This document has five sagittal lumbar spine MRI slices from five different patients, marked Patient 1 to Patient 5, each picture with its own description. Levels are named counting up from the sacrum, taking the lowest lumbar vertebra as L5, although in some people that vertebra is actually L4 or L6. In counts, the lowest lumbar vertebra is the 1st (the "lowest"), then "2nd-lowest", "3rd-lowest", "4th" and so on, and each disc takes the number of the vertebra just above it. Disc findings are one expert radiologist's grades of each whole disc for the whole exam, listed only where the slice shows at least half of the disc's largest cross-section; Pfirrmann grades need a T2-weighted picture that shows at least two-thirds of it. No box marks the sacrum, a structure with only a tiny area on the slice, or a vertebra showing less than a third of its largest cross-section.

Patient 1 of 5:
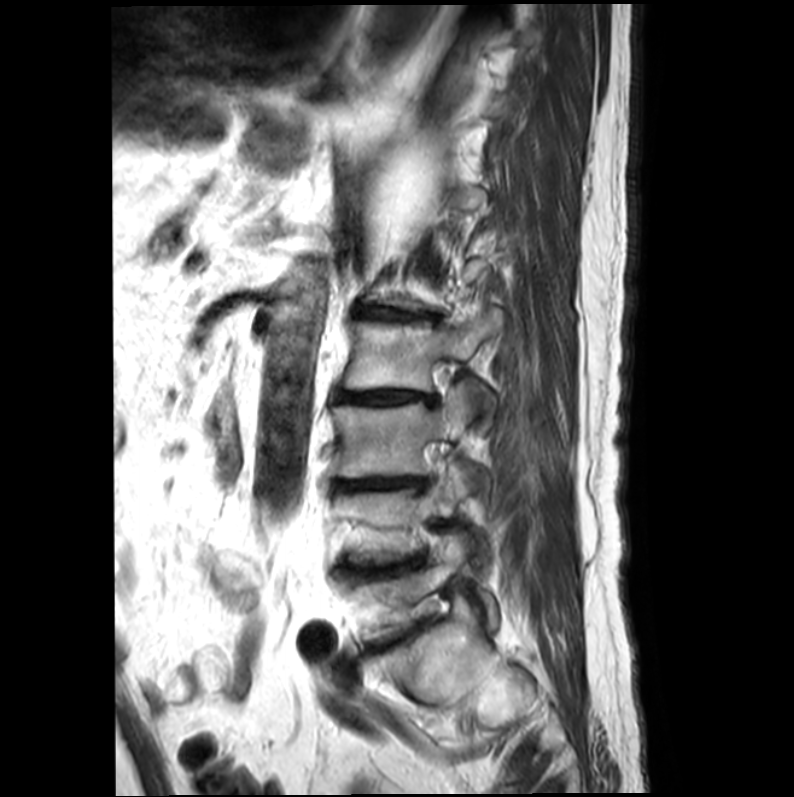 Field of view 308x309 mm, MRI lumbar spine (T2-weighted), sagittal plane
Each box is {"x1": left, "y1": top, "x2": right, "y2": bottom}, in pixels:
L4/L5: {"x1": 348, "y1": 557, "x2": 423, "y2": 577}
disc L3/L4: {"x1": 333, "y1": 478, "x2": 427, "y2": 490}
L2 vertebra: {"x1": 342, "y1": 308, "x2": 502, "y2": 411}
L4: {"x1": 337, "y1": 463, "x2": 471, "y2": 564}
disc L1/L2: {"x1": 355, "y1": 306, "x2": 435, "y2": 321}
L5 vertebra: {"x1": 351, "y1": 535, "x2": 497, "y2": 641}
L3: {"x1": 331, "y1": 382, "x2": 469, "y2": 477}
disc L2/L3: {"x1": 336, "y1": 391, "x2": 434, "y2": 405}

Per-level radiological findings:
• L1/L2: upper-endplate change, lower-endplate change, disc bulging, disc narrowing, Modic type II
• L3/L4: Pfirrmann grade 5, upper-endplate change, disc narrowing, disc bulging, lower-endplate change, Modic type II
• L2/L3: Pfirrmann grade 5, upper-endplate change, lower-endplate change, Modic type II, disc narrowing, disc bulging

Patient 2 of 5:
MRI lumbar spine (T2-weighted), sagittal plane, Field of view 300x300 mm, slice spacing 3.3 mm, Scanner: SIEMENS Avanto_fit (1.5T), Patient sex: F, Slice 15 of 17

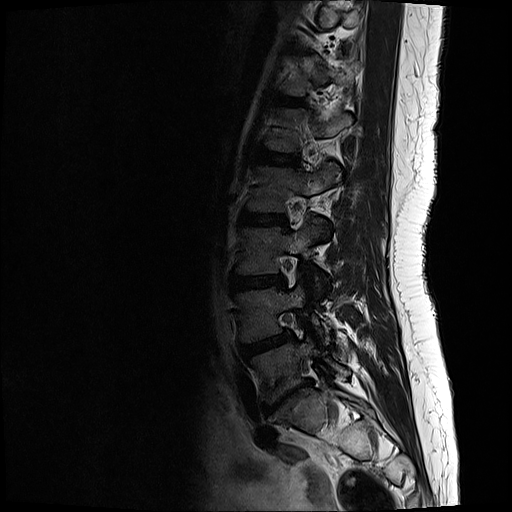
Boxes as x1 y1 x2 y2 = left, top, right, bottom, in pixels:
Segmented structures:
• L5/S1: 263 381 310 413
• L4/L5: 240 331 288 357
• intervertebral disc L3/L4: 233 274 282 289
• L3: 240 220 326 273
• L2/L3: 243 213 281 224
• L5 vertebra: 254 340 346 401
• L4 vertebra: 241 283 305 340
• L1/L2: 257 152 294 164

Radiological gradings:
  L3/L4: disc bulging
  L4/L5: disc bulging
  L1/L2, L2/L3: no spondylolisthesis, narrowing, bulging, herniation, Modic or endplate change recorded

Patient 3 of 5:
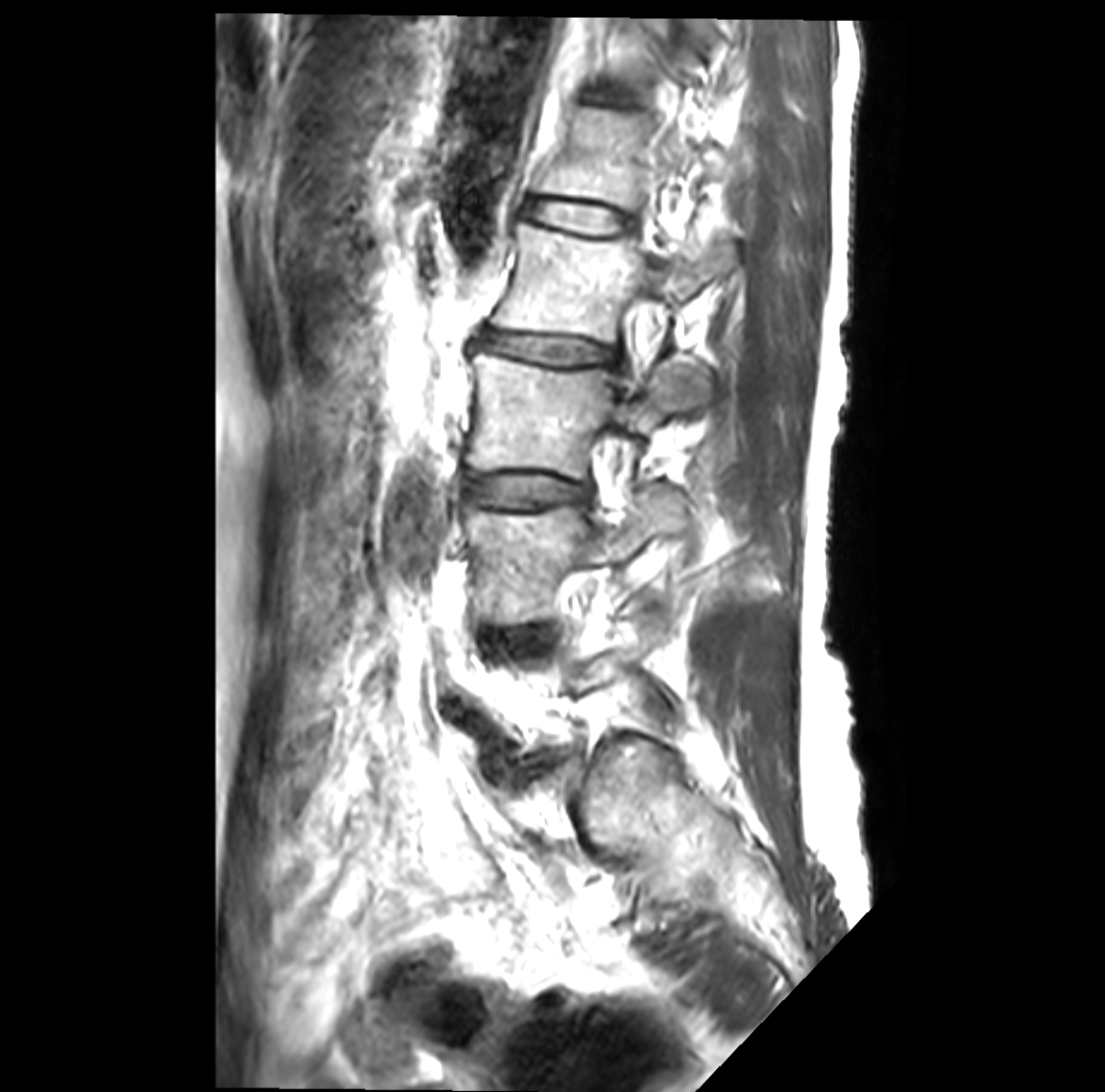 MRI lumbar spine (T2-weighted), sagittal plane
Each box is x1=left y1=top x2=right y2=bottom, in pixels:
3rd-lowest vertebra: x1=466 y1=353 x2=718 y2=478
2nd-lowest disc: x1=492 y1=629 x2=539 y2=645
4th disc: x1=482 y1=329 x2=611 y2=363
5th vertebra: x1=534 y1=107 x2=729 y2=212
2nd-lowest vertebra: x1=465 y1=485 x2=684 y2=625
6th disc: x1=587 y1=83 x2=627 y2=104
4th vertebra: x1=492 y1=222 x2=737 y2=343
5th disc: x1=524 y1=198 x2=631 y2=235
3rd-lowest disc: x1=465 y1=474 x2=590 y2=507

Expert MSK radiologist gradings (per disc):
- 4th disc: Pfirrmann grade 3, disc bulging, disc narrowing, Modic type II
- 5th disc: Pfirrmann grade 1
- 3rd-lowest disc: Pfirrmann grade 3, disc bulging, Modic type II

Patient 4 of 5:
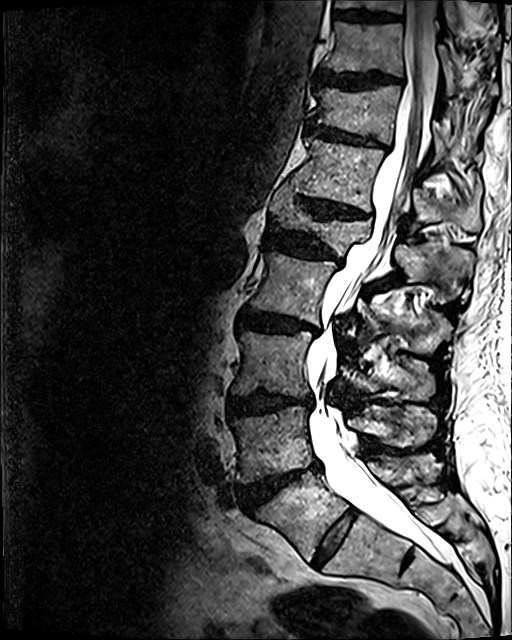

MRI lumbar spine (T2 SPACE (3D)), sagittal plane.
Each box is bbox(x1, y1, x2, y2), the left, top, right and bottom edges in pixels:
L4/L5 at bbox(241, 463, 321, 509); IVD T9/T10 at bbox(334, 10, 398, 21); L1 at bbox(269, 185, 472, 302); L3 at bbox(230, 331, 434, 398); T12/L1 at bbox(301, 198, 370, 218); L5/S1 at bbox(312, 510, 356, 566); T9 vertebra at bbox(335, 0, 500, 52); L2 at bbox(249, 251, 452, 352); L5 vertebra at bbox(257, 454, 439, 560); T12 vertebra at bbox(289, 137, 480, 233); L4 vertebra at bbox(232, 406, 436, 482); L3/L4 at bbox(227, 393, 311, 416); IVD L2/L3 at bbox(238, 311, 318, 334); IVD T10/T11 at bbox(317, 70, 400, 89); T10 vertebra at bbox(323, 22, 498, 99); IVD T11/T12 at bbox(306, 122, 386, 148); spinal canal at bbox(307, 0, 452, 563); T11 vertebra at bbox(309, 84, 466, 157); L1/L2 at bbox(265, 228, 341, 263).

Expert MSK radiologist gradings (per disc):
- L5/S1: Pfirrmann grade 2
- T9/T10: Pfirrmann grade 3, lower-endplate change
- L4/L5: Pfirrmann grade 5, Modic type II, disc narrowing, lower-endplate change, disc herniation, upper-endplate change, disc bulging
- L2/L3: Pfirrmann grade 4, Modic type II, lower-endplate change, disc narrowing, disc bulging, upper-endplate change
- T12/L1: Pfirrmann grade 4, lower-endplate change, upper-endplate change, disc bulging, disc narrowing
- T10/T11: Pfirrmann grade 4, upper-endplate change, disc bulging, lower-endplate change
- L1/L2: Pfirrmann grade 4, upper-endplate change, lower-endplate change, disc bulging, disc narrowing
- T11/T12: Pfirrmann grade 4, lower-endplate change, disc narrowing, upper-endplate change, disc bulging
- L3/L4: Pfirrmann grade 4, upper-endplate change, disc narrowing, disc bulging, lower-endplate change

Patient 5 of 5:
MRI lumbar spine (T2 SPACE (3D)), sagittal plane. 512x640 px. Field of view 240x300 mm. Slice 28 of 120. 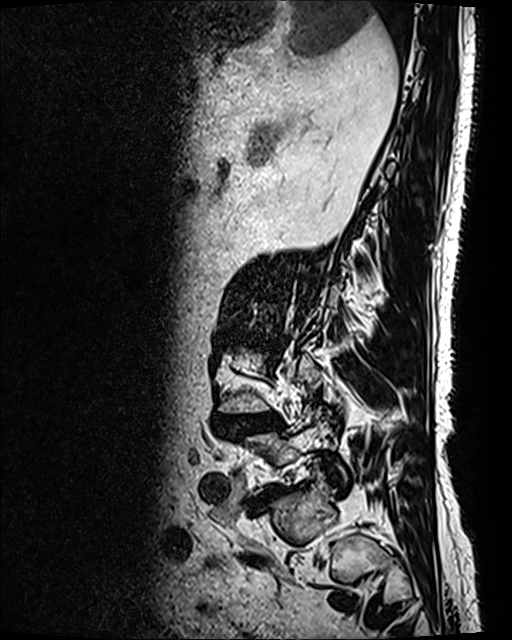

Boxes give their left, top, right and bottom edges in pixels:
Segmented structures:
- intervertebral disc L4/L5 at left=219, top=413, right=281, bottom=436
- intervertebral disc L3/L4 at left=251, top=338, right=263, bottom=344

Per-level radiological findings:
  L4/L5: spondylolisthesis, disc narrowing, disc bulging, Modic type II, disc herniation, lower-endplate change, upper-endplate change